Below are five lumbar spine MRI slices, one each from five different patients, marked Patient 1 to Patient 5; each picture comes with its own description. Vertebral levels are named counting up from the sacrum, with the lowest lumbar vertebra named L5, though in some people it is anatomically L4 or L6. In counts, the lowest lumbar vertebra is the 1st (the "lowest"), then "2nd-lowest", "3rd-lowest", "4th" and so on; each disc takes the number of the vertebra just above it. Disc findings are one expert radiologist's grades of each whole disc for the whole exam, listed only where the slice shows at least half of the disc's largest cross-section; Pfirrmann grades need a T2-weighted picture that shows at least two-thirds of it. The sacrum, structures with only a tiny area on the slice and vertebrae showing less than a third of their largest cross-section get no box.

Patient 1 of 5:
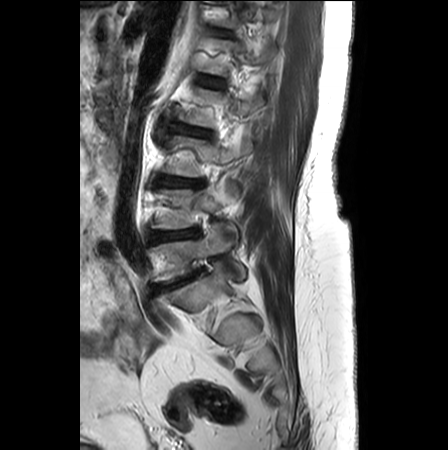
MRI lumbar spine (T2-weighted), sagittal plane
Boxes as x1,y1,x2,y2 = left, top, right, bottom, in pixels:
L4 vertebra — 152,184,240,247.
L1/L2 — 199,75,224,87.
IVD L3/L4 — 158,176,203,188.
L3 vertebra — 157,136,252,176.
L5 vertebra — 152,223,245,281.
IVD L5/S1 — 153,267,205,294.
IVD T12/L1 — 211,29,232,37.
L4/L5 — 150,228,199,241.
IVD L2/L3 — 173,124,211,137.

Expert MSK radiologist gradings (per disc):
• L2/L3: disc bulging, Modic type II, disc narrowing, upper-endplate change, lower-endplate change
• L3/L4: Pfirrmann grade 3, disc narrowing, Modic type II, disc bulging, lower-endplate change, upper-endplate change
• L5/S1: disc bulging, upper-endplate change, Modic type II, lower-endplate change, disc narrowing
• L4/L5: Pfirrmann grade 3, disc bulging, upper-endplate change, Modic type II, lower-endplate change, disc narrowing

Patient 2 of 5:
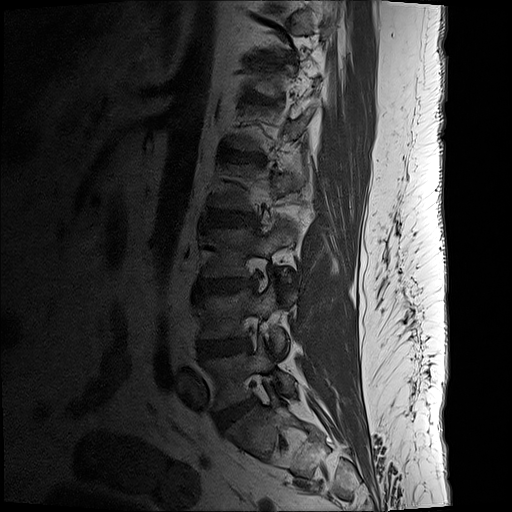
Sagittal T1-weighted lumbar spine MRI | 512x512 px

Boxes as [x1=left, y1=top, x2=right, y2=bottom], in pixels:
Structures:
* 6th disc: [x1=245, y1=94, x2=270, y2=104]
* 2nd-lowest disc: [x1=198, y1=340, x2=250, y2=358]
* 4th disc: [x1=205, y1=212, x2=258, y2=227]
* 7th disc: [x1=253, y1=55, x2=293, y2=65]
* lowest vertebra: [x1=206, y1=340, x2=296, y2=408]
* 2nd-lowest vertebra: [x1=199, y1=281, x2=286, y2=352]
* 3rd-lowest vertebra: [x1=202, y1=220, x2=296, y2=280]
* lowest disc: [x1=216, y1=400, x2=254, y2=427]
* 3rd-lowest disc: [x1=198, y1=280, x2=256, y2=292]
* 5th disc: [x1=221, y1=147, x2=261, y2=163]

Radiological gradings:
- 4th disc: disc bulging, lower-endplate change
- 2nd-lowest disc: disc bulging, disc narrowing

Patient 3 of 5:
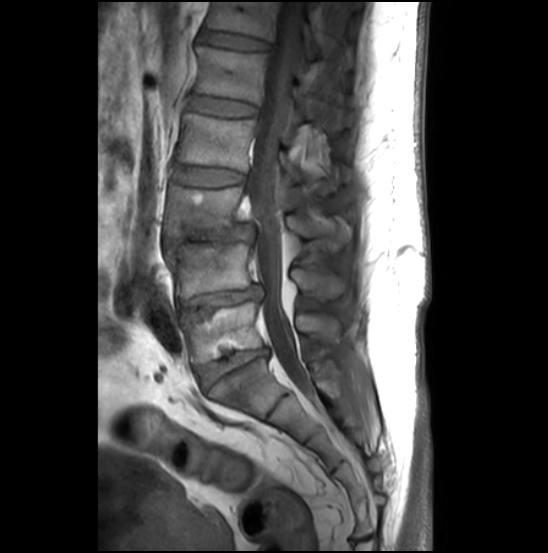
MRI lumbar spine (T1-weighted), sagittal plane. Slice spacing 3.3 mm.
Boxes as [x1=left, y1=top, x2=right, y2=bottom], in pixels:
- spinal canal: [x1=246, y1=2, x2=304, y2=385]
- T12 (6th vertebra): [x1=207, y1=2, x2=353, y2=67]
- L1 (5th vertebra): [x1=196, y1=46, x2=353, y2=130]
- intervertebral disc L2/L3 (4th disc): [x1=176, y1=167, x2=245, y2=186]
- L5/S1 (lowest disc): [x1=198, y1=348, x2=268, y2=389]
- T12/L1 (6th disc): [x1=202, y1=30, x2=268, y2=49]
- L3 (3rd-lowest vertebra): [x1=165, y1=185, x2=349, y2=249]
- L2 (4th vertebra): [x1=177, y1=113, x2=350, y2=194]
- L4 (2nd-lowest vertebra): [x1=168, y1=242, x2=344, y2=298]
- intervertebral disc L4/L5 (2nd-lowest disc): [x1=180, y1=285, x2=262, y2=314]
- L5 (lowest vertebra): [x1=184, y1=302, x2=339, y2=364]
- L1/L2 (5th disc): [x1=190, y1=96, x2=257, y2=115]
- L3/L4 (3rd-lowest disc): [x1=164, y1=224, x2=255, y2=250]

Per-level radiological findings:
  L4/L5 (2nd-lowest disc): Modic type II, disc narrowing, disc bulging, lower-endplate change, upper-endplate change
  L5/S1 (lowest disc): upper-endplate change, disc bulging, disc narrowing, lower-endplate change, Modic type II
  L3/L4 (3rd-lowest disc): lower-endplate change, spondylolisthesis, disc herniation, Modic type II, disc narrowing, upper-endplate change
  L1/L2 (5th disc), L2/L3 (4th disc), T12/L1 (6th disc): no spondylolisthesis, narrowing, bulging, herniation, Modic or endplate change recorded

Patient 4 of 5:
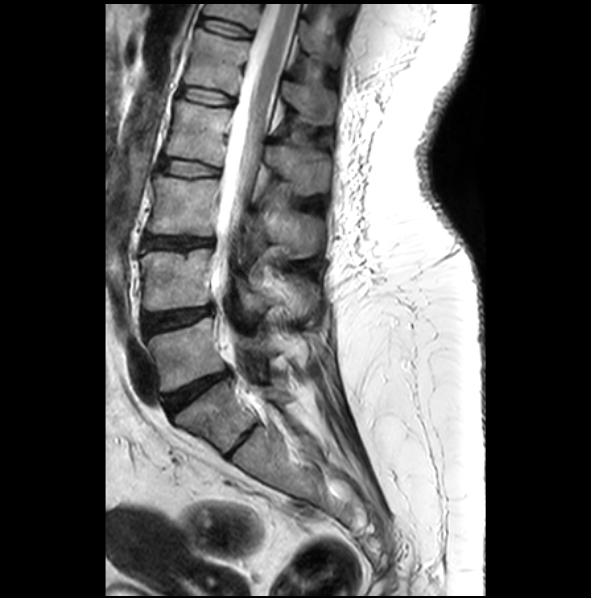 MRI lumbar spine (T2-weighted), sagittal plane. Slice 16 of 28.

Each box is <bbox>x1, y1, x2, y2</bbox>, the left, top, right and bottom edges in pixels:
L2/L3 — <bbox>160, 158, 217, 176</bbox> | T12 — <bbox>205, 4, 340, 62</bbox> | L4/L5 — <bbox>141, 305, 213, 334</bbox> | intervertebral disc L5/S1 — <bbox>164, 369, 230, 415</bbox> | L4 — <bbox>140, 248, 317, 316</bbox> | L3 — <bbox>148, 173, 322, 258</bbox> | L2 vertebra — <bbox>166, 99, 330, 193</bbox> | thecal sac / spinal canal — <bbox>212, 3, 297, 352</bbox> | L5 — <bbox>148, 317, 276, 391</bbox> | L1/L2 — <bbox>179, 86, 234, 104</bbox> | intervertebral disc T12/L1 — <bbox>201, 17, 250, 36</bbox> | intervertebral disc L3/L4 — <bbox>143, 236, 211, 249</bbox> | L1 — <bbox>185, 28, 337, 126</bbox>

Degenerative findings by level:
- L5/S1: Pfirrmann grade 4, lower-endplate change, upper-endplate change, disc bulging
- L1/L2: Pfirrmann grade 2
- L3/L4: Pfirrmann grade 3, disc bulging, lower-endplate change, disc narrowing, upper-endplate change, Modic type II
- L4/L5: Pfirrmann grade 3, disc bulging
- L2/L3: Pfirrmann grade 2
- T12/L1: Pfirrmann grade 2

Patient 5 of 5:
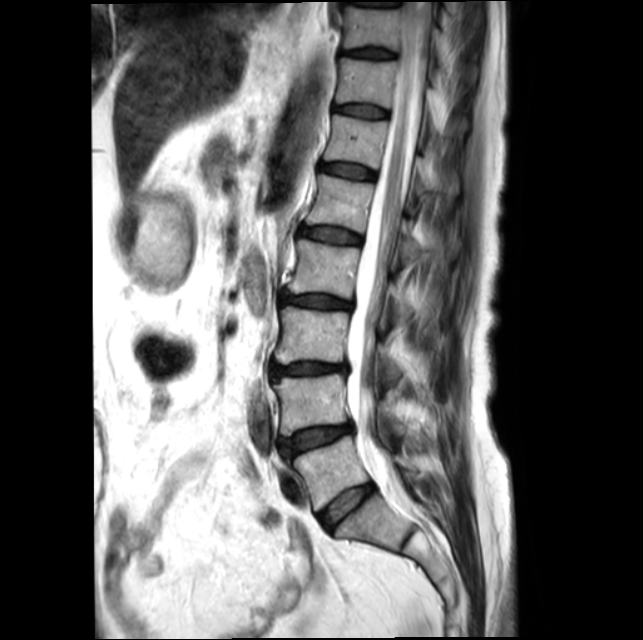
Field of view 310x308 mm; Sagittal slice index 9; Patient sex: F; T2-weighted sagittal MRI of the lumbar spine

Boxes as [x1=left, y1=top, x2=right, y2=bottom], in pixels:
- T11/T12 — [x1=335, y1=104, x2=387, y2=117]
- L2 — [x1=288, y1=239, x2=419, y2=317]
- disc L2/L3 — [x1=282, y1=294, x2=351, y2=308]
- L3 vertebra — [x1=276, y1=307, x2=405, y2=375]
- L3/L4 — [x1=272, y1=362, x2=346, y2=376]
- T12/L1 — [x1=320, y1=163, x2=375, y2=178]
- L4/L5 — [x1=281, y1=425, x2=351, y2=455]
- L5 vertebra — [x1=287, y1=436, x2=420, y2=510]
- disc L1/L2 — [x1=301, y1=228, x2=361, y2=243]
- T10/T11 — [x1=342, y1=48, x2=394, y2=57]
- T12 — [x1=325, y1=114, x2=441, y2=192]
- L1 — [x1=307, y1=174, x2=424, y2=257]
- T11 — [x1=336, y1=58, x2=441, y2=128]
- T10 — [x1=342, y1=6, x2=449, y2=64]
- L4 vertebra — [x1=273, y1=373, x2=436, y2=434]
- spinal canal — [x1=346, y1=2, x2=431, y2=492]
- L5/S1 — [x1=318, y1=484, x2=374, y2=530]

Degenerative findings by level:
• L2/L3: Pfirrmann grade 3, disc narrowing, Modic type II, disc bulging, upper-endplate change, lower-endplate change
• T12/L1: Pfirrmann grade 2
• L5/S1: Pfirrmann grade 2
• T11/T12: Pfirrmann grade 2
• L4/L5: Pfirrmann grade 2, Modic type II, lower-endplate change, upper-endplate change, disc bulging
• T10/T11: Pfirrmann grade 2
• L1/L2: Pfirrmann grade 2, Modic type II
• L3/L4: Pfirrmann grade 3, disc bulging, lower-endplate change, disc narrowing, upper-endplate change, Modic type II